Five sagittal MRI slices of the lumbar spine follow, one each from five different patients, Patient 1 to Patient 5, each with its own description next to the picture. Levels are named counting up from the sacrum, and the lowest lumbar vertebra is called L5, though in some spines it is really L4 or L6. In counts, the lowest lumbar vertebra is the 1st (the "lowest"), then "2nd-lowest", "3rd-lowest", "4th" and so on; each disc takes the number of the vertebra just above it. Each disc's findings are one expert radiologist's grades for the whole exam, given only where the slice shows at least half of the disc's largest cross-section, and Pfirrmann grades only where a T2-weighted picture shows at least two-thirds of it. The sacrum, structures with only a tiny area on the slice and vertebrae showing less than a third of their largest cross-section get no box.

Patient 1 of 5:
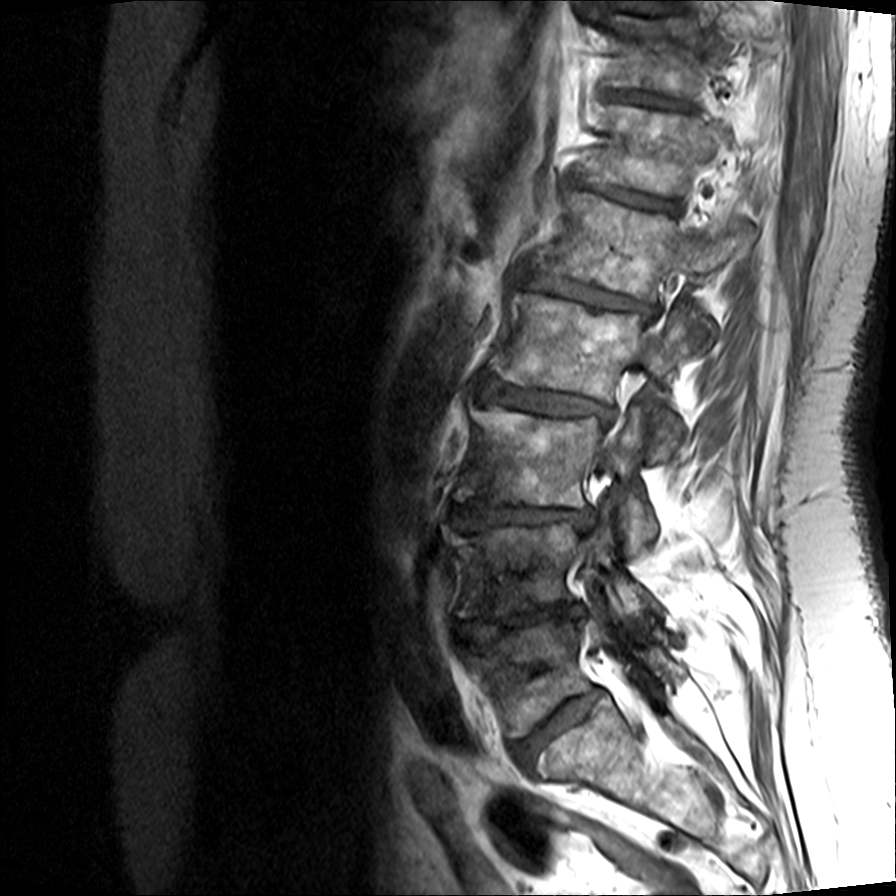 Sagittal T1-weighted lumbar spine MRI, 896x896 px, Patient sex: F, Slice 5 of 15

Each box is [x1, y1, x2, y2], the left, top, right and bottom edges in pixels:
L4/L5 — [461, 604, 585, 642].
Disc L2/L3 — [480, 377, 612, 419].
T12/L1 — [571, 173, 681, 211].
L2 vertebra — [490, 293, 695, 461].
T12 — [580, 104, 750, 194].
Disc L5/S1 — [513, 691, 602, 765].
Disc T11/T12 — [620, 91, 687, 107].
Disc L1/L2 — [519, 266, 657, 318].
L5 vertebra — [472, 604, 685, 736].
L4 — [453, 521, 654, 623].
L1 — [536, 191, 756, 341].
T11 — [611, 14, 779, 94].
L3 — [457, 406, 658, 553].
Disc L3/L4 — [455, 500, 595, 530].

Radiological gradings:
- L1/L2: Modic type II, upper-endplate change, disc narrowing, disc bulging, lower-endplate change
- L2/L3: disc narrowing, disc bulging, Modic type II, upper-endplate change, lower-endplate change
- L4/L5: disc herniation, Modic type II, disc narrowing, upper-endplate change, lower-endplate change
- L3/L4: lower-endplate change, upper-endplate change, disc herniation, disc narrowing, Modic type II
- L5/S1: Modic type II, upper-endplate change, disc bulging, lower-endplate change, disc narrowing
- T12/L1: Modic type II, disc bulging, disc narrowing, lower-endplate change, upper-endplate change

Patient 2 of 5:
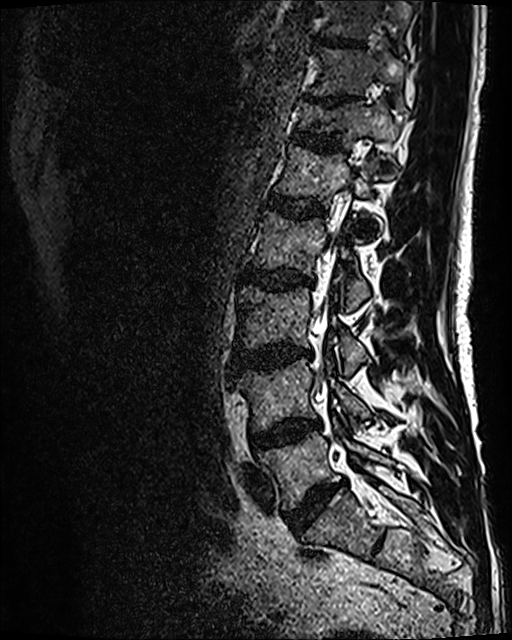
MRI lumbar spine (T2 SPACE (3D)), sagittal plane, Slice 47 of 120, Image 512x640, Field of view 240x300 mm
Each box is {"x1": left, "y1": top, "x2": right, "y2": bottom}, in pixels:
{"L1": {"x1": 275, "y1": 144, "x2": 377, "y2": 206}, "L2 vertebra": {"x1": 254, "y1": 211, "x2": 370, "y2": 308}, "L3 vertebra": {"x1": 238, "y1": 286, "x2": 367, "y2": 373}, "T12 vertebra": {"x1": 297, "y1": 99, "x2": 398, "y2": 170}, "spinal canal": {"x1": 310, "y1": 167, "x2": 356, "y2": 443}, "intervertebral disc L3/L4": {"x1": 232, "y1": 346, "x2": 311, "y2": 373}, "T11": {"x1": 308, "y1": 47, "x2": 406, "y2": 112}, "T10 vertebra": {"x1": 320, "y1": 0, "x2": 411, "y2": 49}, "L5 vertebra": {"x1": 259, "y1": 419, "x2": 387, "y2": 510}, "intervertebral disc L1/L2": {"x1": 266, "y1": 194, "x2": 325, "y2": 218}, "T10/T11": {"x1": 318, "y1": 39, "x2": 360, "y2": 45}, "L2/L3": {"x1": 242, "y1": 269, "x2": 313, "y2": 289}, "intervertebral disc L4/L5": {"x1": 249, "y1": 419, "x2": 319, "y2": 450}, "intervertebral disc T11/T12": {"x1": 309, "y1": 97, "x2": 346, "y2": 105}, "L5/S1": {"x1": 286, "y1": 484, "x2": 336, "y2": 532}, "T12/L1": {"x1": 288, "y1": 131, "x2": 338, "y2": 151}, "L4": {"x1": 232, "y1": 359, "x2": 370, "y2": 431}}

Radiological gradings:
- L5/S1: Pfirrmann grade 4, disc bulging, disc narrowing
- L4/L5: Pfirrmann grade 3, Modic type II, disc bulging
- L3/L4: Pfirrmann grade 4, disc bulging, Modic type II, disc narrowing
- L1/L2: Pfirrmann grade 3
- L2/L3: Pfirrmann grade 3, Modic type II, disc bulging

Patient 3 of 5:
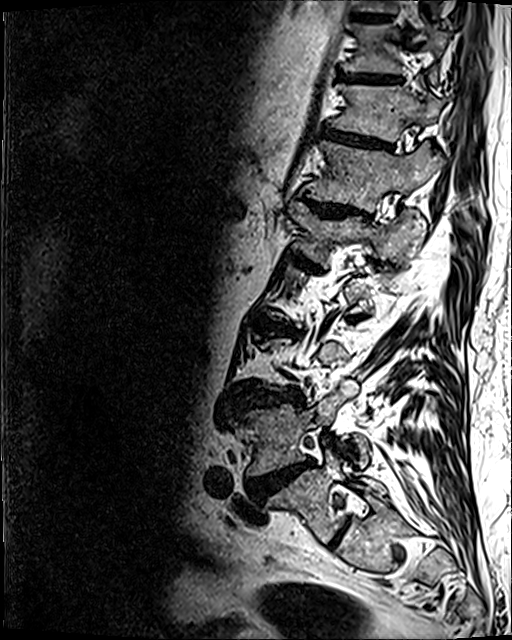
Slice 88 of 120 | Patient sex: M | Lumbar spine MR, T2 SPACE (3D), sagittal
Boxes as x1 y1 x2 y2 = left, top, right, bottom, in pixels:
4th disc = 269 320 280 328 | 8th disc = 340 73 400 82 | 5th vertebra = 290 202 425 257 | 2nd-lowest vertebra = 248 381 370 475 | lowest disc = 333 529 343 542 | 6th disc = 307 199 369 218 | 7th disc = 322 128 390 148 | 7th vertebra = 331 84 446 141 | 9th disc = 356 14 387 21 | 2nd-lowest disc = 249 461 310 498 | 6th vertebra = 306 141 444 211 | lowest vertebra = 267 449 385 541 | 8th vertebra = 344 24 449 73 | 3rd-lowest disc = 245 389 299 405

Radiological gradings:
- 2nd-lowest disc: Pfirrmann grade 5, disc narrowing, disc herniation, disc bulging, lower-endplate change, Modic type II, upper-endplate change
- 3rd-lowest disc: lower-endplate change, disc narrowing, disc bulging, upper-endplate change
- 7th disc: disc bulging, lower-endplate change, disc narrowing, upper-endplate change

Patient 4 of 5:
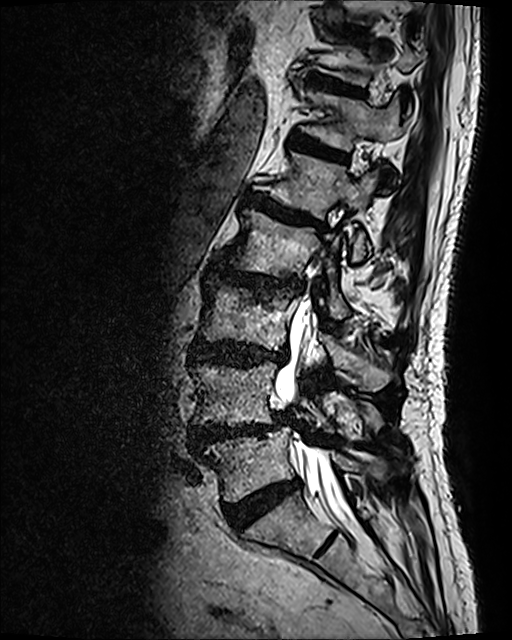
Sagittal slice index 66; MRI lumbar spine (T2 SPACE (3D)), sagittal plane

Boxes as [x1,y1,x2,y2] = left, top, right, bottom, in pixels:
7th disc: [305,72,361,94]
lowest disc: [225,478,301,531]
2nd-lowest disc: [191,412,290,449]
8th disc: [334,26,366,34]
4th disc: [216,263,301,291]
lowest vertebra: [205,426,386,501]
4th vertebra: [226,209,348,319]
3rd-lowest disc: [190,339,286,365]
6th vertebra: [300,88,405,150]
spinal canal: [275,301,356,526]
6th disc: [290,134,345,160]
2nd-lowest vertebra: [191,361,382,431]
5th vertebra: [271,153,379,261]
3rd-lowest vertebra: [198,279,391,391]
5th disc: [244,193,322,228]

Radiological gradings:
• 4th disc: Pfirrmann grade 4, Modic type I, lower-endplate change, disc narrowing, disc bulging, upper-endplate change
• 7th disc: upper-endplate change, lower-endplate change, disc bulging
• lowest disc: Pfirrmann grade 4
• 3rd-lowest disc: Pfirrmann grade 4, disc bulging, lower-endplate change, upper-endplate change
• 5th disc: Pfirrmann grade 4, disc bulging, Modic type II, lower-endplate change, upper-endplate change
• 2nd-lowest disc: Pfirrmann grade 4, disc herniation, disc bulging, lower-endplate change, upper-endplate change, disc narrowing, spondylolisthesis, Modic type II

Patient 5 of 5:
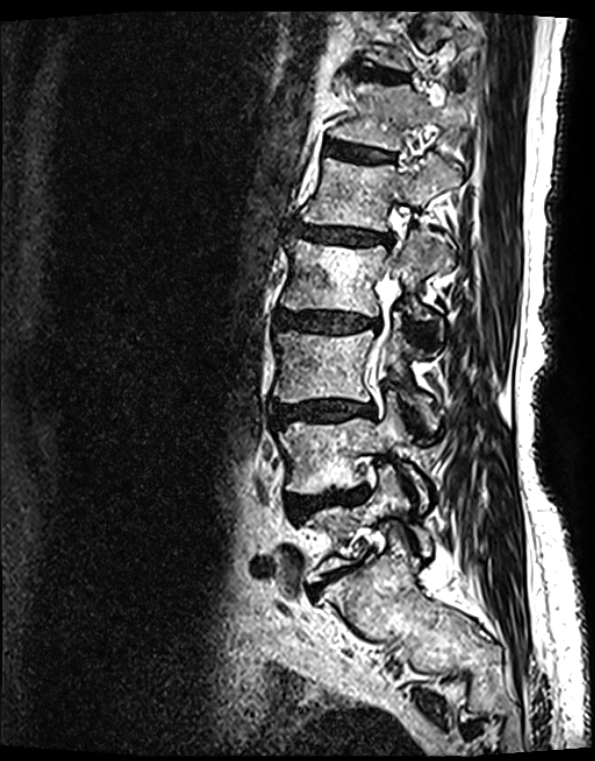 Sagittal T2 SPACE (3D) lumbar spine MRI, Slice 90/139

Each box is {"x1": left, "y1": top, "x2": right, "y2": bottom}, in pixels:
Spinal canal at {"x1": 367, "y1": 251, "x2": 399, "y2": 376}, 6th disc at {"x1": 324, "y1": 144, "x2": 391, "y2": 163}, 5th vertebra at {"x1": 299, "y1": 152, "x2": 459, "y2": 232}, 3rd-lowest disc at {"x1": 274, "y1": 401, "x2": 372, "y2": 424}, 7th disc at {"x1": 352, "y1": 66, "x2": 405, "y2": 82}, 3rd-lowest vertebra at {"x1": 273, "y1": 317, "x2": 433, "y2": 425}, lowest disc at {"x1": 313, "y1": 565, "x2": 355, "y2": 592}, 2nd-lowest vertebra at {"x1": 277, "y1": 396, "x2": 426, "y2": 504}, 5th disc at {"x1": 292, "y1": 225, "x2": 379, "y2": 244}, 2nd-lowest disc at {"x1": 287, "y1": 485, "x2": 370, "y2": 520}, 4th vertebra at {"x1": 280, "y1": 235, "x2": 452, "y2": 342}, 4th disc at {"x1": 273, "y1": 312, "x2": 376, "y2": 333}, 6th vertebra at {"x1": 329, "y1": 80, "x2": 472, "y2": 150}, lowest vertebra at {"x1": 302, "y1": 465, "x2": 430, "y2": 582}.

Expert MSK radiologist gradings (per disc):
- 3rd-lowest disc: Pfirrmann grade 4, disc narrowing, lower-endplate change, Modic type II, disc bulging, upper-endplate change
- 5th disc: Pfirrmann grade 4, lower-endplate change, upper-endplate change, Modic type II, disc narrowing, disc bulging
- 4th disc: Pfirrmann grade 4, Modic type II, upper-endplate change, disc narrowing, lower-endplate change, disc bulging
- 2nd-lowest disc: disc bulging, upper-endplate change, Modic type II, disc narrowing, lower-endplate change, disc herniation
- 6th disc: Pfirrmann grade 2, Modic type II, upper-endplate change, lower-endplate change